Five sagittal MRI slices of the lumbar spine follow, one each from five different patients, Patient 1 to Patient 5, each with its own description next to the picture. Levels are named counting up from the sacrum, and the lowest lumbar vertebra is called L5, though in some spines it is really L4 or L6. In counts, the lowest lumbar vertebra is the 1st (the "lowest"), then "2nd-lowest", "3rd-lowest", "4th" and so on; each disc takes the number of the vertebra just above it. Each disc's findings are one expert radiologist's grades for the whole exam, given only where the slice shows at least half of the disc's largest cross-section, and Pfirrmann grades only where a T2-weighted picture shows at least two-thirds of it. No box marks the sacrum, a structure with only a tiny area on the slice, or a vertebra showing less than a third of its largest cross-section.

Patient 1 of 5:
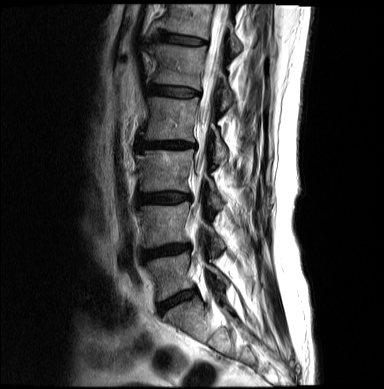

384x389 px; Patient sex: M; Lumbar spine MR, T2-weighted, sagittal; Sagittal slice index 6

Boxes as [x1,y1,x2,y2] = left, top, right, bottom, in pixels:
Segmented structures:
- L4 vertebra: [140,202,224,255]
- L5/S1: [159,290,194,312]
- spinal canal: [198,4,228,176]
- L2/L3: [137,139,193,150]
- IVD T12/L1: [156,31,205,44]
- L1: [148,44,233,109]
- IVD L3/L4: [137,193,190,204]
- L2 vertebra: [140,97,227,162]
- L3: [137,150,223,209]
- IVD L4/L5: [142,244,188,259]
- T12: [156,4,241,52]
- L5 vertebra: [147,250,228,299]
- IVD L1/L2: [146,84,198,96]

Degenerative findings by level:
• L2/L3: Pfirrmann grade 4, Modic type II, upper-endplate change, lower-endplate change, disc bulging, disc narrowing
• T12/L1: Pfirrmann grade 3
• L3/L4: Pfirrmann grade 4, disc bulging
• L4/L5: lower-endplate change, disc bulging, disc narrowing
• L1/L2: Pfirrmann grade 3, lower-endplate change, upper-endplate change
• L5/S1: no spondylolisthesis, narrowing, bulging, herniation, Modic or endplate change recorded

Patient 2 of 5:
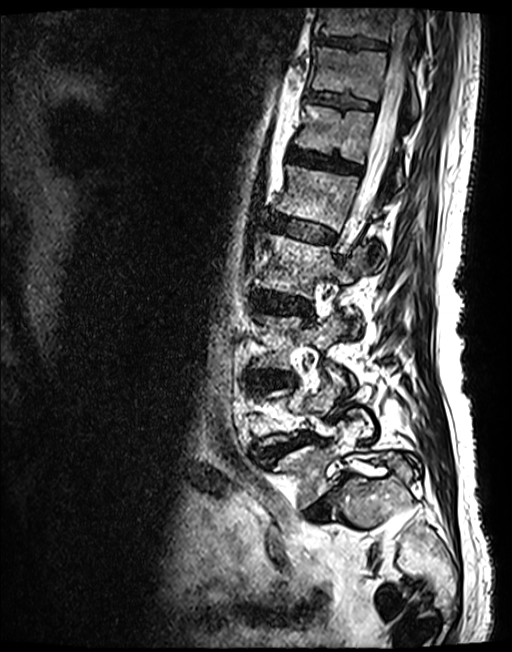

Sagittal T2 SPACE (3D) lumbar spine MRI

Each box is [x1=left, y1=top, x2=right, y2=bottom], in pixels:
4th vertebra at [x1=255, y1=234, x2=365, y2=332], 8th vertebra at [x1=315, y1=8, x2=423, y2=40], 3rd-lowest disc at [x1=249, y1=371, x2=296, y2=389], 6th disc at [x1=287, y1=147, x2=360, y2=173], 3rd-lowest vertebra at [x1=252, y1=314, x2=343, y2=369], 5th vertebra at [x1=276, y1=165, x2=379, y2=230], 4th disc at [x1=249, y1=291, x2=311, y2=313], 5th disc at [x1=271, y1=215, x2=334, y2=242], 2nd-lowest disc at [x1=259, y1=432, x2=314, y2=460], 6th vertebra at [x1=294, y1=104, x2=404, y2=185], 7th disc at [x1=307, y1=91, x2=373, y2=108], lowest vertebra at [x1=271, y1=419, x2=419, y2=507], thecal sac / spinal canal at [x1=348, y1=8, x2=416, y2=232], lowest disc at [x1=305, y1=472, x2=348, y2=517], 8th disc at [x1=314, y1=34, x2=385, y2=49], 7th vertebra at [x1=310, y1=47, x2=419, y2=118].

Radiological gradings:
• 7th disc: Pfirrmann grade 3
• 6th disc: Pfirrmann grade 3
• 5th disc: Pfirrmann grade 3
• 8th disc: Pfirrmann grade 3
• 4th disc: Pfirrmann grade 3, disc bulging

Patient 3 of 5:
Philips Medical Systems Ingenia (1.5T), MRI lumbar spine (T1-weighted), sagittal plane
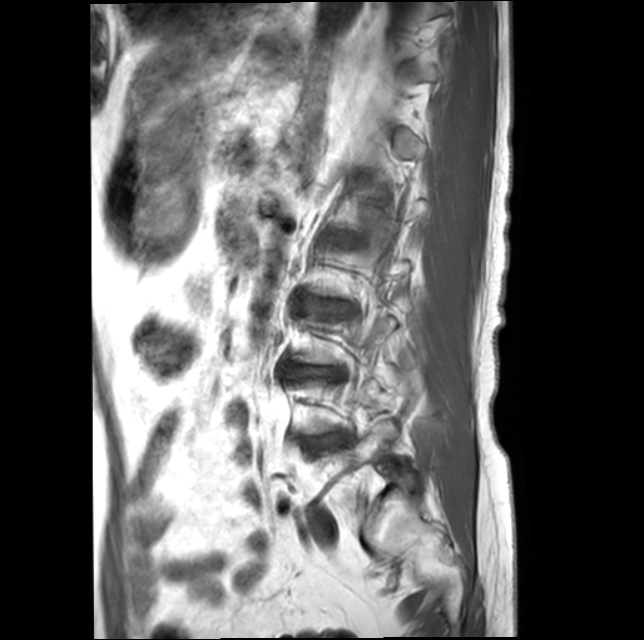
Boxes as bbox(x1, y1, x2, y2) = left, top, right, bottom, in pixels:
{"intervertebral disc L2/L3": "bbox(328, 302, 344, 308)", "intervertebral disc L4/L5": "bbox(303, 433, 347, 449)", "L3/L4": "bbox(284, 366, 340, 376)", "L5 vertebra": "bbox(322, 417, 396, 469)"}

Expert MSK radiologist gradings (per disc):
  L3/L4: lower-endplate change, upper-endplate change, disc bulging, Modic type II, disc narrowing

Patient 4 of 5:
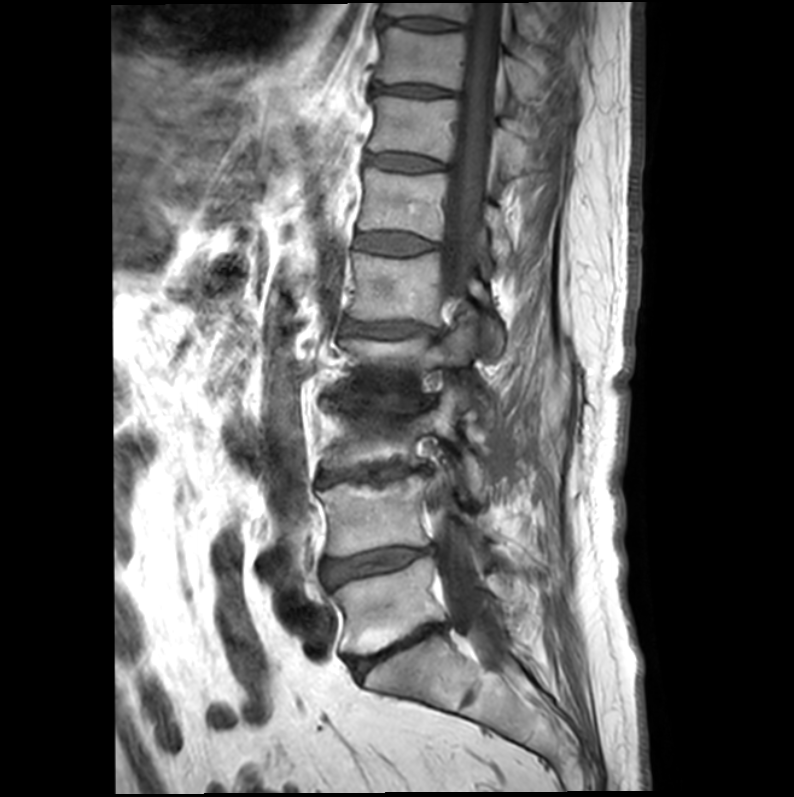

Slice spacing 4.4 mm; Lumbar spine MR, T1-weighted, sagittal

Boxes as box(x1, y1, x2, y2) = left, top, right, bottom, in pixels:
8th disc: box(374, 83, 454, 96)
9th vertebra: box(381, 1, 565, 44)
7th vertebra: box(368, 96, 570, 177)
thecal sac / spinal canal: box(436, 2, 505, 665)
2nd-lowest disc: box(321, 546, 434, 586)
3rd-lowest disc: box(319, 464, 429, 485)
3rd-lowest vertebra: box(323, 393, 484, 497)
6th vertebra: box(358, 167, 511, 262)
5th disc: box(343, 320, 432, 338)
4th vertebra: box(342, 311, 489, 424)
7th disc: box(366, 154, 444, 171)
4th disc: box(338, 395, 430, 411)
6th disc: box(355, 233, 435, 254)
5th vertebra: box(345, 253, 502, 362)
9th disc: box(380, 18, 461, 30)
2nd-lowest vertebra: box(319, 470, 488, 555)
lowest disc: box(348, 624, 444, 675)
lowest vertebra: box(331, 556, 504, 654)
8th vertebra: box(374, 27, 576, 120)

Expert MSK radiologist gradings (per disc):
  4th disc: disc bulging, lower-endplate change, Modic type II, upper-endplate change, disc narrowing
  5th disc: Modic type II, disc bulging, disc narrowing, upper-endplate change, lower-endplate change
  3rd-lowest disc: lower-endplate change, upper-endplate change, disc bulging, Modic type II, disc narrowing
  lowest disc: upper-endplate change, Modic type II, lower-endplate change, disc narrowing, disc bulging
  2nd-lowest disc: disc bulging, Modic type II, disc narrowing, lower-endplate change, upper-endplate change
  8th disc, 9th disc, 6th disc, 7th disc: no spondylolisthesis, narrowing, bulging, herniation, Modic or endplate change recorded

Patient 5 of 5:
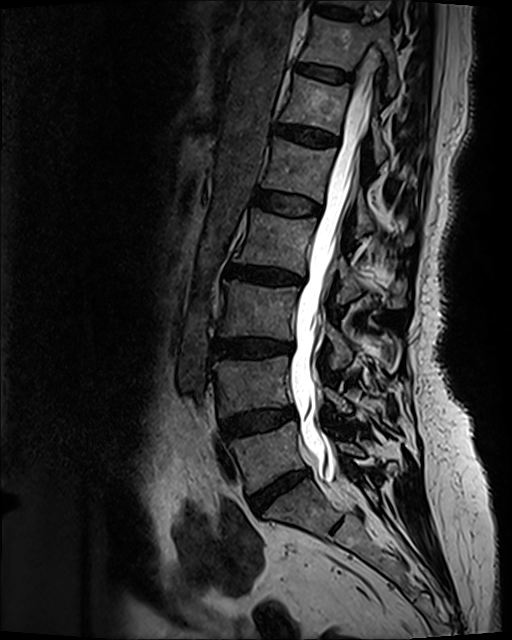
Sagittal T2 SPACE (3D) lumbar spine MRI, Image 512x640

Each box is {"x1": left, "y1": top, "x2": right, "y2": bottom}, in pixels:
4th disc at {"x1": 227, "y1": 266, "x2": 301, "y2": 284}, 6th vertebra at {"x1": 281, "y1": 75, "x2": 386, "y2": 163}, 2nd-lowest vertebra at {"x1": 213, "y1": 355, "x2": 351, "y2": 416}, 5th disc at {"x1": 253, "y1": 191, "x2": 319, "y2": 215}, 7th vertebra at {"x1": 300, "y1": 16, "x2": 396, "y2": 95}, lowest vertebra at {"x1": 230, "y1": 422, "x2": 362, "y2": 493}, 5th vertebra at {"x1": 262, "y1": 137, "x2": 413, "y2": 246}, 2nd-lowest disc at {"x1": 221, "y1": 407, "x2": 295, "y2": 438}, 8th disc at {"x1": 316, "y1": 3, "x2": 354, "y2": 19}, lowest disc at {"x1": 251, "y1": 472, "x2": 306, "y2": 514}, 7th disc at {"x1": 298, "y1": 64, "x2": 351, "y2": 81}, 4th vertebra at {"x1": 233, "y1": 208, "x2": 405, "y2": 307}, 3rd-lowest disc at {"x1": 212, "y1": 339, "x2": 292, "y2": 355}, spinal canal at {"x1": 288, "y1": 49, "x2": 377, "y2": 497}, 3rd-lowest vertebra at {"x1": 219, "y1": 280, "x2": 352, "y2": 369}, 6th disc at {"x1": 275, "y1": 124, "x2": 338, "y2": 146}.

Radiological gradings:
  6th disc: Pfirrmann grade 3, disc bulging
  3rd-lowest disc: Pfirrmann grade 4, disc bulging, lower-endplate change, upper-endplate change, Modic type II, disc narrowing
  7th disc: Pfirrmann grade 2
  5th disc: Pfirrmann grade 2
  lowest disc: Pfirrmann grade 4, disc narrowing, disc bulging
  2nd-lowest disc: Pfirrmann grade 3, disc bulging
  4th disc: Pfirrmann grade 4, lower-endplate change, upper-endplate change, disc bulging, disc narrowing, Modic type II
  8th disc: no spondylolisthesis, narrowing, bulging, herniation, Modic or endplate change recorded